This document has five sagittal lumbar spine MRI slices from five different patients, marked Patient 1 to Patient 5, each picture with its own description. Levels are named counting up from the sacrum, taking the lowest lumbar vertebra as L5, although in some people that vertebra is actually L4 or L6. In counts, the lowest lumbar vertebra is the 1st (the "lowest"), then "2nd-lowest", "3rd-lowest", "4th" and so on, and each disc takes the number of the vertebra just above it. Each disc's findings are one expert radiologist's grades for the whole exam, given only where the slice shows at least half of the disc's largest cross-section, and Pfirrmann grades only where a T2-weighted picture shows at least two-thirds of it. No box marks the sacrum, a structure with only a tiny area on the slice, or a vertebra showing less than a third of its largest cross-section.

Patient 1 of 5:
Sagittal T2 SPACE (3D) lumbar spine MRI; Patient sex: M 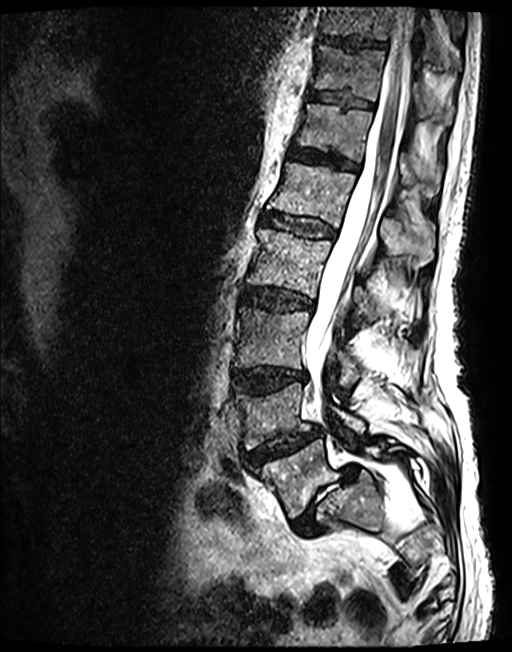
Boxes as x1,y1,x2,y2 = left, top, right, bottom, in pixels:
Lowest vertebra at 253,439,413,517.
4th disc at 242,287,311,309.
3rd-lowest disc at 232,367,305,393.
7th vertebra at 314,45,451,120.
6th disc at 289,147,357,171.
4th vertebra at 247,228,383,319.
2nd-lowest disc at 243,428,321,465.
8th disc at 318,34,385,49.
6th vertebra at 296,103,441,195.
5th vertebra at 268,162,433,265.
7th disc at 309,91,372,108.
2nd-lowest vertebra at 233,385,365,449.
5th disc at 263,212,333,237.
Spinal canal at 306,7,415,402.
Lowest disc at 292,465,358,535.
8th vertebra at 321,6,457,59.
3rd-lowest vertebra at 234,307,363,384.

Radiological gradings:
  5th disc: Pfirrmann grade 3
  2nd-lowest disc: disc herniation, spondylolisthesis, disc narrowing, upper-endplate change, lower-endplate change
  7th disc: Pfirrmann grade 3
  3rd-lowest disc: Pfirrmann grade 3, disc bulging, upper-endplate change, lower-endplate change
  4th disc: Pfirrmann grade 3, disc bulging
  6th disc: Pfirrmann grade 3
  lowest disc: Pfirrmann grade 5, disc narrowing, Modic type II, disc herniation, spondylolisthesis
  8th disc: Pfirrmann grade 3

Patient 2 of 5:
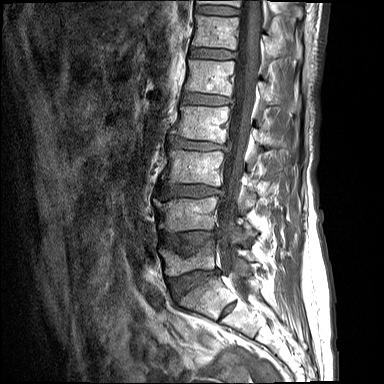
Image 384x384. Sagittal T1-weighted lumbar spine MRI.
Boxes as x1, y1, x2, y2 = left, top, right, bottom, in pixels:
Intervertebral disc L4/L5 = 160, 230, 218, 255.
Spinal canal = 218, 0, 263, 297.
L1 = 185, 59, 273, 107.
L5 = 159, 237, 253, 276.
Intervertebral disc L2/L3 = 172, 139, 225, 150.
L3/L4 = 160, 184, 224, 198.
T11 vertebra = 197, 0, 276, 14.
Intervertebral disc T12/L1 = 189, 47, 235, 59.
L1/L2 = 183, 92, 232, 105.
L3 = 162, 150, 256, 195.
L2 vertebra = 171, 106, 273, 145.
Intervertebral disc L5/S1 = 169, 269, 219, 296.
T12 = 192, 14, 300, 60.
L4 = 154, 196, 256, 237.
T11/T12 = 196, 5, 239, 16.

Degenerative findings by level:
  L1/L2: disc bulging, upper-endplate change, lower-endplate change
  L2/L3: lower-endplate change, upper-endplate change, disc narrowing, disc bulging
  L4/L5: lower-endplate change, disc bulging, upper-endplate change
  T12/L1: upper-endplate change, lower-endplate change
  L3/L4: disc bulging, upper-endplate change, lower-endplate change
  L5/S1: upper-endplate change, disc narrowing, lower-endplate change, disc bulging
  T11/T12: no herniation, bulging, narrowing, spondylolisthesis, endplate or Modic change recorded

Patient 3 of 5:
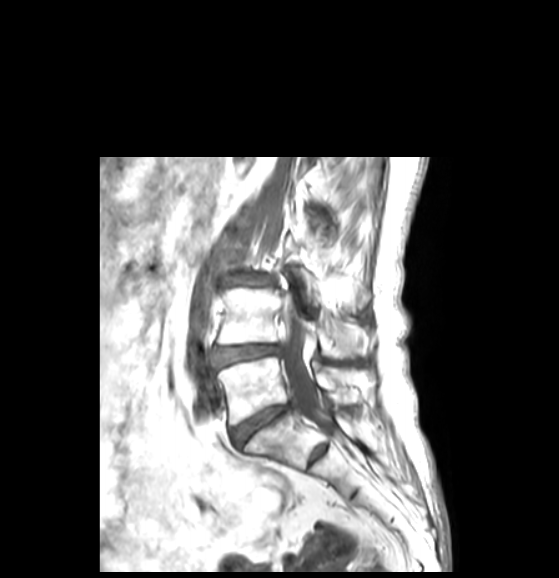
Sagittal slice index 19; Lumbar spine MR, T1-weighted, sagittal

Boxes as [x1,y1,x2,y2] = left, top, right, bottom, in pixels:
L5: [218,356,372,424].
L5/S1: [232,404,290,443].
L4/L5: [216,344,279,366].
L4 vertebra: [218,288,369,358].
Thecal sac / spinal canal: [281,311,331,432].

Per-level radiological findings:
• L4/L5: disc bulging
• L5/S1: disc narrowing, disc bulging

Patient 4 of 5:
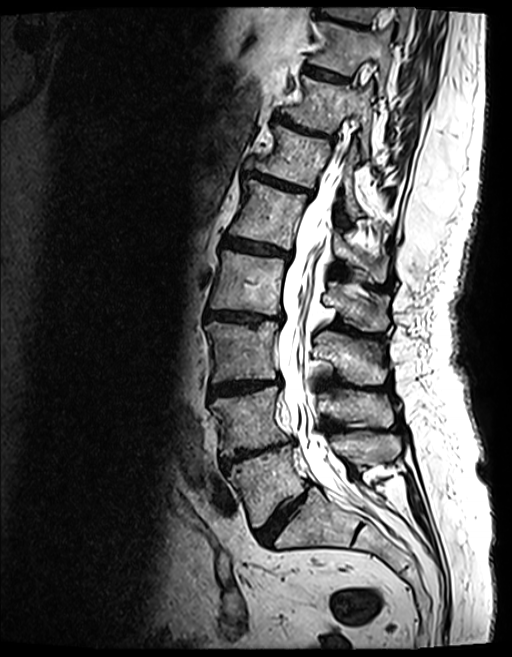 Field of view 240x308 mm, 512x657 px, Sex F, Lumbar spine MR, T2 SPACE (3D), sagittal, Slice 76 of 154
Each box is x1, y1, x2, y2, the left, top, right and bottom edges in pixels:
- T10/T11: 305, 65, 349, 82
- T10 vertebra: 310, 21, 392, 88
- T11 vertebra: 282, 76, 373, 155
- L3: 205, 321, 386, 384
- IVD L2/L3: 205, 310, 283, 323
- T9/T10: 318, 7, 364, 27
- IVD L3/L4: 210, 378, 279, 395
- IVD T12/L1: 247, 170, 312, 197
- L4 vertebra: 210, 387, 393, 455
- L2: 211, 250, 388, 330
- thecal sac / spinal canal: 278, 148, 370, 508
- T11/T12: 274, 114, 335, 140
- IVD L5/S1: 256, 484, 310, 543
- L1 vertebra: 229, 180, 386, 281
- T9 vertebra: 329, 7, 410, 37
- T12: 247, 126, 362, 219
- L5: 228, 434, 400, 528
- L4/L5: 221, 439, 294, 469
- IVD L1/L2: 225, 238, 289, 259

Radiological gradings:
- L4/L5: disc bulging, disc narrowing, lower-endplate change, upper-endplate change, Modic type II
- T11/T12: Pfirrmann grade 5, upper-endplate change, disc bulging, lower-endplate change, Modic type II, disc narrowing
- L3/L4: Pfirrmann grade 4, Modic type II, lower-endplate change, disc narrowing, upper-endplate change, disc bulging
- L1/L2: Pfirrmann grade 4, lower-endplate change, upper-endplate change, disc bulging, disc narrowing, Modic type II
- L5/S1: Pfirrmann grade 4, disc narrowing, disc bulging
- L2/L3: Pfirrmann grade 4, upper-endplate change, lower-endplate change, disc narrowing, Modic type II, disc bulging
- T12/L1: Pfirrmann grade 4, disc bulging, upper-endplate change, disc narrowing, Modic type II, lower-endplate change
- T10/T11: Pfirrmann grade 4, upper-endplate change, lower-endplate change, Modic type II

Patient 5 of 5:
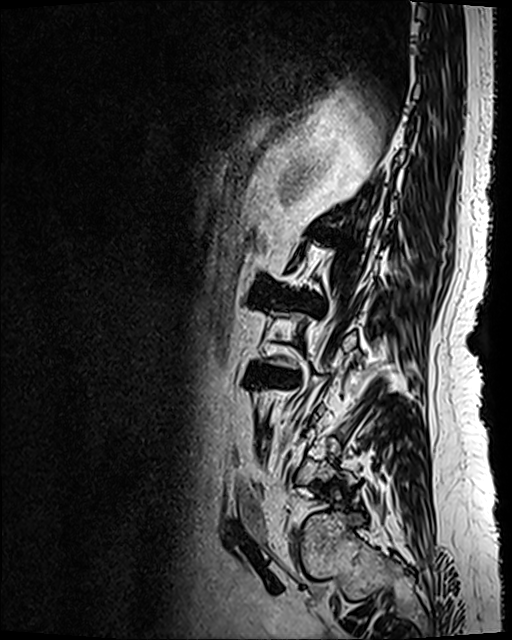 Field of view 240x300 mm, slice spacing 0.9 mm, Slice 94 of 120, Lumbar spine MR, T2 SPACE (3D), sagittal
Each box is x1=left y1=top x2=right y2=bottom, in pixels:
4th disc = x1=277 y1=294 x2=320 y2=312.
3rd-lowest disc = x1=249 y1=366 x2=299 y2=383.

Per-level radiological findings:
- 3rd-lowest disc: disc narrowing, Modic type II, disc bulging, lower-endplate change, upper-endplate change